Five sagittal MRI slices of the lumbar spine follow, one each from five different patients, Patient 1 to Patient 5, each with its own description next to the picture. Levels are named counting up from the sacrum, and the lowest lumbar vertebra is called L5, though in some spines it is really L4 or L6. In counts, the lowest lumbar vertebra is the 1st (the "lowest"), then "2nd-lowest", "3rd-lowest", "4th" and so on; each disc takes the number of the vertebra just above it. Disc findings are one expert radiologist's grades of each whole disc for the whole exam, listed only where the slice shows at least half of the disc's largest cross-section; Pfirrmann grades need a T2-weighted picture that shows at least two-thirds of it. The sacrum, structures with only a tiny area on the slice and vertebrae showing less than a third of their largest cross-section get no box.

Patient 1 of 5:
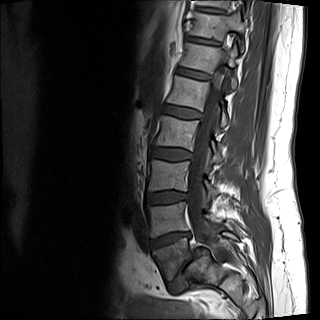 T1-weighted sagittal MRI of the lumbar spine; Image 320x320
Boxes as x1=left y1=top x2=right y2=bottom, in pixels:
Structures:
• 8th disc: x1=197 y1=7 x2=223 y2=12
• 3rd-lowest vertebra: x1=148 y1=160 x2=217 y2=199
• 6th vertebra: x1=181 y1=43 x2=236 y2=89
• 3rd-lowest disc: x1=146 y1=190 x2=187 y2=205
• lowest vertebra: x1=152 y1=232 x2=237 y2=280
• 7th vertebra: x1=190 y1=12 x2=245 y2=51
• 4th disc: x1=152 y1=147 x2=192 y2=160
• lowest disc: x1=169 y1=247 x2=204 y2=293
• 2nd-lowest disc: x1=150 y1=231 x2=189 y2=249
• 8th vertebra: x1=197 y1=0 x2=229 y2=7
• 4th vertebra: x1=155 y1=115 x2=222 y2=162
• 5th disc: x1=163 y1=104 x2=201 y2=118
• thecal sac / spinal canal: x1=188 y1=62 x2=229 y2=256
• 6th disc: x1=177 y1=67 x2=209 y2=79
• 2nd-lowest vertebra: x1=147 y1=201 x2=220 y2=237
• 5th vertebra: x1=167 y1=75 x2=227 y2=127
• 7th disc: x1=186 y1=36 x2=219 y2=45

Radiological gradings:
  7th disc: disc narrowing, lower-endplate change
  3rd-lowest disc: disc bulging
  5th disc: disc bulging
  2nd-lowest disc: Modic type II, disc herniation, disc narrowing, lower-endplate change, upper-endplate change
  8th disc: upper-endplate change
  lowest disc: disc bulging, Modic type II, lower-endplate change, disc narrowing, upper-endplate change, spondylolisthesis
  4th disc: disc bulging
  6th disc: no herniation, bulging, narrowing, spondylolisthesis, endplate or Modic change recorded

Patient 2 of 5:
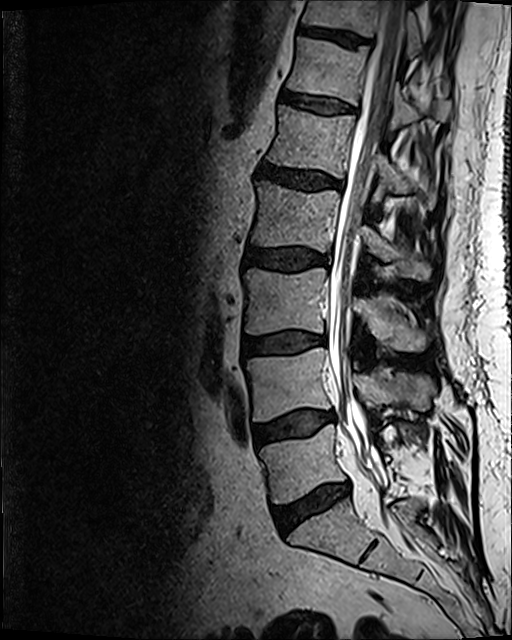 Field of view 240x300 mm | Sagittal T2 SPACE (3D) lumbar spine MRI
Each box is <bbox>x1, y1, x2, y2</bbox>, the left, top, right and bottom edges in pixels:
7th disc at <bbox>299, 25, 369, 46</bbox>, lowest disc at <bbox>273, 484, 349, 532</bbox>, 7th vertebra at <bbox>303, 0, 423, 57</bbox>, 6th vertebra at <bbox>286, 37, 450, 126</bbox>, lowest vertebra at <bbox>260, 424, 390, 503</bbox>, 5th disc at <bbox>257, 161, 343, 190</bbox>, 3rd-lowest vertebra at <bbox>244, 268, 430, 351</bbox>, 6th disc at <bbox>281, 93, 354, 114</bbox>, 2nd-lowest vertebra at <bbox>246, 349, 435, 422</bbox>, 5th vertebra at <bbox>268, 106, 436, 208</bbox>, 3rd-lowest disc at <bbox>243, 331, 320, 354</bbox>, 4th disc at <bbox>243, 247, 326, 272</bbox>, spinal canal at <bbox>329, 0, 407, 491</bbox>, 4th vertebra at <bbox>252, 181, 430, 280</bbox>, 2nd-lowest disc at <bbox>253, 411, 333, 446</bbox>.

Radiological gradings:
- lowest disc: Pfirrmann grade 3, disc bulging, Modic type II, disc narrowing
- 2nd-lowest disc: Pfirrmann grade 2, disc bulging, Modic type II
- 6th disc: Pfirrmann grade 2
- 4th disc: Pfirrmann grade 3, disc bulging
- 3rd-lowest disc: Pfirrmann grade 2, Modic type II, disc bulging
- 7th disc: Pfirrmann grade 3
- 5th disc: Pfirrmann grade 3, disc bulging

Patient 3 of 5:
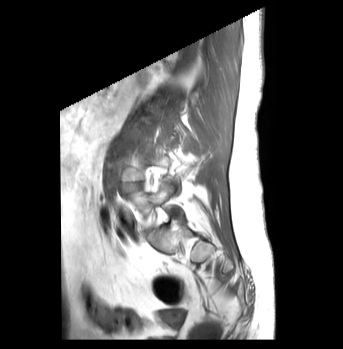

Slice 32/43, Sagittal T1-weighted lumbar spine MRI, Patient sex: F, Image 343x349

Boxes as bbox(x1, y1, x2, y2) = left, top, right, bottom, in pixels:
- L5 = bbox(127, 183, 182, 228)
- L4/L5 = bbox(123, 182, 141, 191)

Patient 4 of 5:
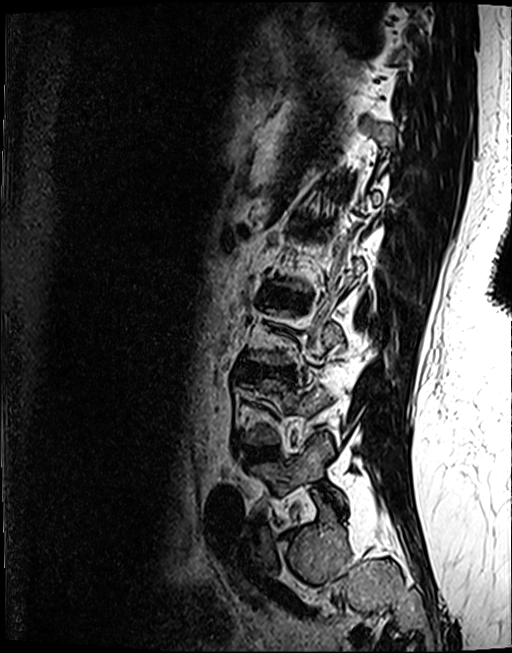 MRI lumbar spine (T2 SPACE (3D)), sagittal plane | Sex F | Sagittal slice index 87
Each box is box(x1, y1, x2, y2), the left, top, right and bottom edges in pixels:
Disc L2/L3 at box(270, 292, 299, 300); disc L3/L4 at box(247, 366, 289, 377); L5 at box(251, 434, 343, 504); disc L4/L5 at box(246, 446, 277, 461).

Patient 5 of 5:
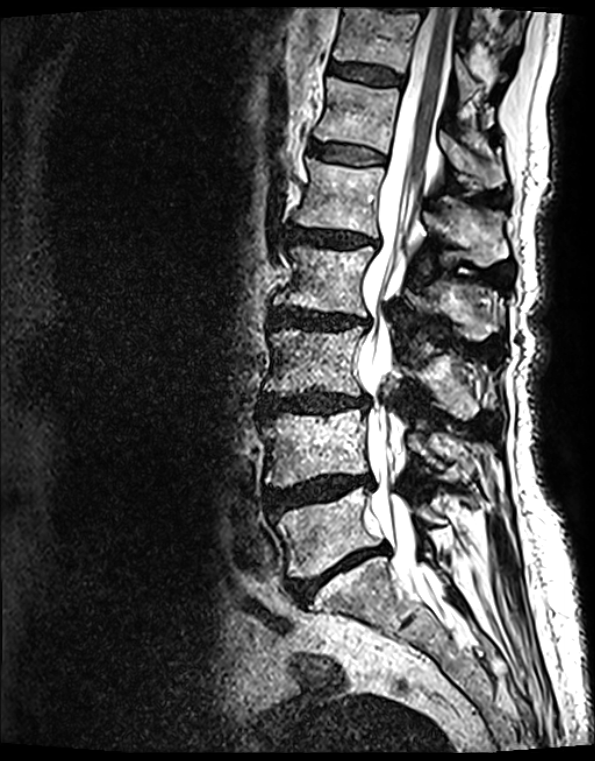
MRI lumbar spine (T2 SPACE (3D)), sagittal plane. Slice 69/139. Field of view 240x307 mm. 595x761 px.
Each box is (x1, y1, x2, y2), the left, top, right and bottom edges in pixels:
5th vertebra: (294, 160, 507, 265) | 2nd-lowest vertebra: (262, 410, 471, 487) | 4th disc: (272, 309, 365, 329) | 7th vertebra: (332, 9, 506, 100) | 2nd-lowest disc: (265, 474, 370, 515) | thecal sac / spinal canal: (360, 9, 454, 608) | 3rd-lowest vertebra: (265, 327, 494, 418) | 6th vertebra: (315, 79, 505, 187) | lowest disc: (291, 545, 385, 602) | 6th disc: (309, 144, 384, 166) | 7th disc: (330, 64, 401, 85) | lowest vertebra: (276, 488, 447, 578) | 3rd-lowest disc: (262, 392, 366, 413) | 4th vertebra: (273, 246, 505, 347) | 5th disc: (291, 227, 368, 247)

Degenerative findings by level:
  lowest disc: Pfirrmann grade 5, Modic type II, lower-endplate change, disc narrowing, upper-endplate change, disc bulging
  5th disc: Pfirrmann grade 4, upper-endplate change, disc narrowing, disc bulging, Modic type II, lower-endplate change
  2nd-lowest disc: Pfirrmann grade 4, disc herniation, Modic type II, upper-endplate change, disc bulging, disc narrowing, lower-endplate change
  7th disc: Pfirrmann grade 2, upper-endplate change, Modic type II, lower-endplate change
  3rd-lowest disc: Pfirrmann grade 4, upper-endplate change, lower-endplate change, disc bulging, disc narrowing, Modic type II
  4th disc: Pfirrmann grade 4, disc bulging, upper-endplate change, disc narrowing, Modic type II, lower-endplate change
  6th disc: Pfirrmann grade 2, upper-endplate change, Modic type II, lower-endplate change